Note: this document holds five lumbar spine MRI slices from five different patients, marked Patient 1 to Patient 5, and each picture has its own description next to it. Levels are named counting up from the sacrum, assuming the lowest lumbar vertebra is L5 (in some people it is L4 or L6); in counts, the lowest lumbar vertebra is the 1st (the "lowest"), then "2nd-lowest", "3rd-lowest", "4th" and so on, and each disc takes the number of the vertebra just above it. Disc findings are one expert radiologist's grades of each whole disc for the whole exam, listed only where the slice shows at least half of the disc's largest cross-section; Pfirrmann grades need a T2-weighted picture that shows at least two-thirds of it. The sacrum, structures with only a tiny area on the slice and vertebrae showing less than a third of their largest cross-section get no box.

Patient 1 of 5:
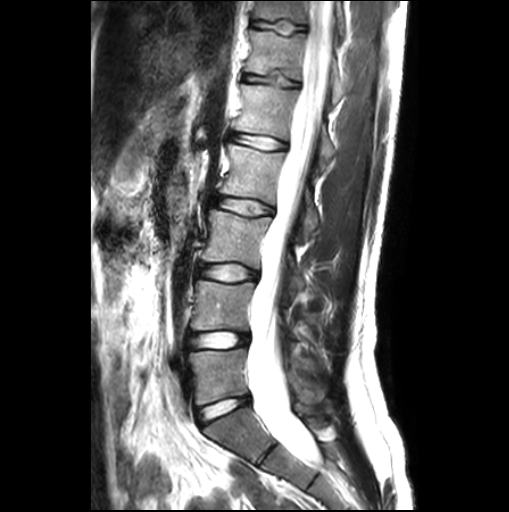
Lumbar spine MR, T2-weighted, sagittal. Image 509x512. Sagittal slice index 11. Field of view 280x281 mm, slice spacing 3.3 mm.

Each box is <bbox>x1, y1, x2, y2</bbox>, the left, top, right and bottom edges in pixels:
Structures:
- L3 vertebra: <bbox>202, 208, 304, 287</bbox>
- T12/L1: <bbox>243, 74, 298, 86</bbox>
- intervertebral disc L4/L5: <bbox>190, 332, 248, 347</bbox>
- L5/S1: <bbox>196, 396, 249, 426</bbox>
- L2 vertebra: <bbox>221, 143, 316, 236</bbox>
- L1 vertebra: <bbox>234, 84, 333, 166</bbox>
- T11 vertebra: <bbox>254, 0, 344, 32</bbox>
- L3/L4: <bbox>198, 264, 257, 280</bbox>
- intervertebral disc L1/L2: <bbox>231, 133, 286, 149</bbox>
- T12: <bbox>246, 29, 344, 102</bbox>
- L2/L3: <bbox>213, 196, 271, 214</bbox>
- spinal canal: <bbox>250, 1, 332, 463</bbox>
- L4: <bbox>190, 279, 298, 340</bbox>
- T11/T12: <bbox>250, 20, 307, 32</bbox>
- L5 vertebra: <bbox>189, 348, 323, 405</bbox>

Expert MSK radiologist gradings (per disc):
• L2/L3: Pfirrmann grade 1
• L5/S1: Pfirrmann grade 1
• L3/L4: Pfirrmann grade 1
• T11/T12: Pfirrmann grade 1, lower-endplate change, upper-endplate change
• L4/L5: Pfirrmann grade 1
• L1/L2: Pfirrmann grade 1, Modic type II
• T12/L1: Pfirrmann grade 1, upper-endplate change, lower-endplate change

Patient 2 of 5:
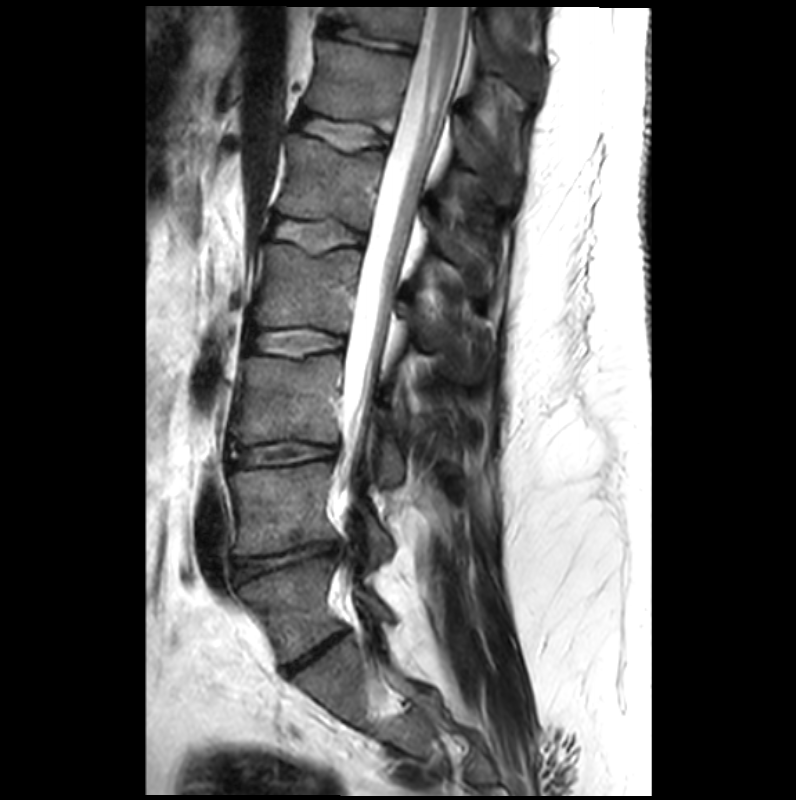 Lumbar spine MR, T2-weighted, sagittal, Image 796x800, Sagittal slice index 18
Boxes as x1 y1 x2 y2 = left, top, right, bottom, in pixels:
L3 (3rd-lowest vertebra) at 231 354 402 482, T12/L1 (6th disc) at 296 112 386 150, T12 (6th vertebra) at 304 40 514 202, L2/L3 (4th disc) at 248 328 344 357, L1 (5th vertebra) at 278 134 470 273, T11 (7th vertebra) at 328 6 541 99, intervertebral disc L1/L2 (5th disc) at 270 219 363 253, intervertebral disc L5/S1 (lowest disc) at 284 629 352 673, intervertebral disc T11/T12 (7th disc) at 322 20 410 51, thecal sac / spinal canal at 340 7 467 479, L4 (2nd-lowest vertebra) at 230 461 391 561, L5 (lowest vertebra) at 239 559 395 662, L3/L4 (3rd-lowest disc) at 230 443 335 466, L4/L5 (2nd-lowest disc) at 234 542 338 579, L2 (4th vertebra) at 250 242 435 348.

Per-level radiological findings:
• T11/T12 (7th disc): Pfirrmann grade 2, lower-endplate change
• L3/L4 (3rd-lowest disc): Pfirrmann grade 2
• L5/S1 (lowest disc): disc narrowing
• L1/L2 (5th disc): Pfirrmann grade 2, upper-endplate change, lower-endplate change
• L4/L5 (2nd-lowest disc): Pfirrmann grade 3, lower-endplate change, spondylolisthesis, disc narrowing, disc herniation, Modic type III, upper-endplate change
• L2/L3 (4th disc): Pfirrmann grade 2
• T12/L1 (6th disc): Pfirrmann grade 2, lower-endplate change, upper-endplate change

Patient 3 of 5:
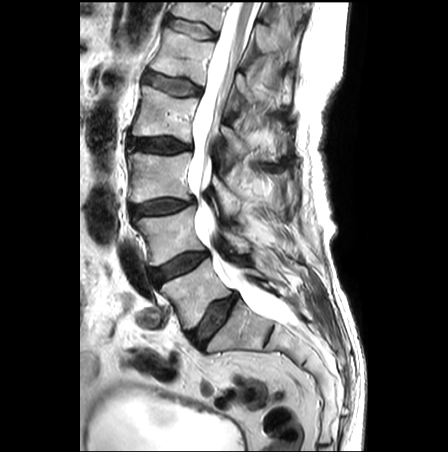
Sex M | Slice 12 of 27 | Sagittal T2-weighted lumbar spine MRI
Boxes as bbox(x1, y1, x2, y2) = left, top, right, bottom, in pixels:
Intervertebral disc T12/L1: bbox(167, 18, 215, 38).
L2/L3: bbox(127, 137, 192, 153).
Intervertebral disc L3/L4: bbox(130, 198, 195, 216).
Spinal canal: bbox(190, 2, 289, 323).
T12 vertebra: bbox(172, 2, 281, 52).
L4 vertebra: bbox(135, 207, 249, 265).
L5 vertebra: bbox(161, 259, 263, 328).
Intervertebral disc L1/L2: bbox(143, 71, 201, 95).
L1 vertebra: bbox(151, 28, 254, 103).
L3: bbox(128, 151, 240, 214).
Intervertebral disc L5/S1: bbox(189, 294, 237, 347).
L2: bbox(132, 85, 247, 168).
L4/L5: bbox(150, 252, 208, 285).

Per-level radiological findings:
- L5/S1: Pfirrmann grade 3, disc bulging
- L1/L2: Pfirrmann grade 2, lower-endplate change, Modic type II, disc bulging, upper-endplate change
- L4/L5: Pfirrmann grade 3, disc bulging
- T12/L1: Pfirrmann grade 1
- L2/L3: Pfirrmann grade 3, disc bulging
- L3/L4: Pfirrmann grade 3, disc narrowing, disc bulging

Patient 4 of 5:
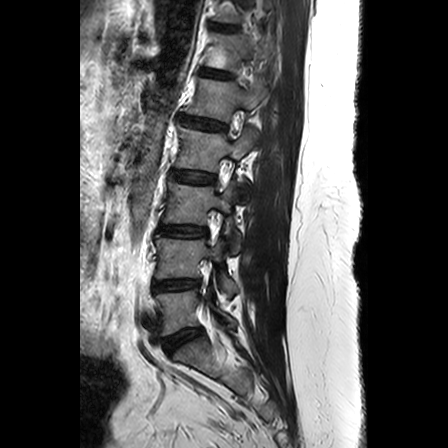

T2-weighted sagittal MRI of the lumbar spine | Image 448x448

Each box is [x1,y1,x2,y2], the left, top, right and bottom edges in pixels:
L5/S1 — [165,328,201,353].
IVD L3/L4 — [159,226,206,236].
L3 — [164,182,241,251].
IVD L2/L3 — [173,171,214,183].
L4/L5 — [153,280,199,291].
IVD T12/L1 — [201,69,228,77].
L5 — [156,283,235,335].
T12 vertebra — [206,33,272,70].
L1 vertebra — [185,78,267,121].
L4 — [155,236,237,302].
L1/L2 — [180,116,226,130].
L2 vertebra — [176,125,258,201].
T11/T12 — [211,24,237,30].

Per-level radiological findings:
• L2/L3: Pfirrmann grade 2
• L3/L4: Pfirrmann grade 3, upper-endplate change
• L5/S1: Pfirrmann grade 3
• L4/L5: Pfirrmann grade 3, disc narrowing
• L1/L2: Pfirrmann grade 3, disc bulging, upper-endplate change, Modic type II
• T11/T12, T12/L1: no Modic or endplate change, herniation, narrowing, bulging or spondylolisthesis recorded

Patient 5 of 5:
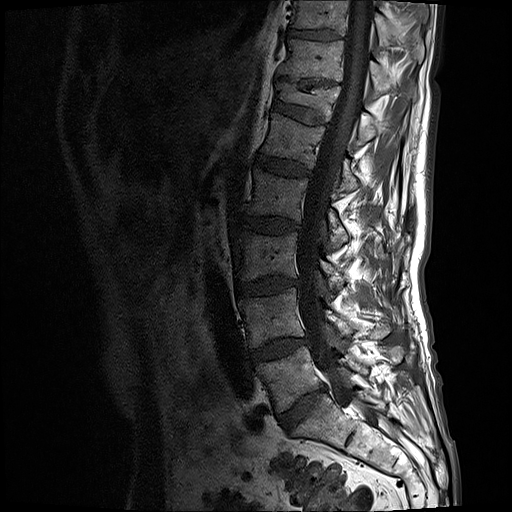 512x512 px. Slice spacing 3.3 mm. MRI lumbar spine (T1-weighted), sagittal plane.
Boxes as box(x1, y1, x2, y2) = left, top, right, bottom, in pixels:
Disc T11/T12 at box(299, 80, 330, 88); L5 at box(256, 346, 401, 410); T10 at box(293, 0, 422, 58); disc L2/L3 at box(240, 215, 301, 233); L3 vertebra at box(235, 231, 342, 295); disc L3/L4 at box(238, 277, 298, 294); L2 at box(248, 169, 349, 253); L1 vertebra at box(263, 112, 357, 193); L4 at box(239, 287, 386, 346); T11 vertebra at box(280, 40, 389, 93); T12 vertebra at box(275, 82, 374, 143); disc T12/L1 at box(272, 100, 325, 123); L4/L5 at box(250, 338, 306, 362); disc L5/S1 at box(278, 387, 325, 430); T10/T11 at box(287, 29, 338, 39); disc L1/L2 at box(257, 154, 311, 176); thecal sac / spinal canal at box(297, 0, 385, 423).

Per-level radiological findings:
- L4/L5: disc bulging, Modic type II
- L2/L3: Modic type II, disc bulging
- T12/L1: upper-endplate change, lower-endplate change
- T11/T12: lower-endplate change, disc narrowing, upper-endplate change
- L3/L4: disc bulging, Modic type II, disc narrowing
- L5/S1: disc narrowing, disc bulging
- T10/T11, L1/L2: no Modic or endplate change, herniation, narrowing, bulging or spondylolisthesis recorded